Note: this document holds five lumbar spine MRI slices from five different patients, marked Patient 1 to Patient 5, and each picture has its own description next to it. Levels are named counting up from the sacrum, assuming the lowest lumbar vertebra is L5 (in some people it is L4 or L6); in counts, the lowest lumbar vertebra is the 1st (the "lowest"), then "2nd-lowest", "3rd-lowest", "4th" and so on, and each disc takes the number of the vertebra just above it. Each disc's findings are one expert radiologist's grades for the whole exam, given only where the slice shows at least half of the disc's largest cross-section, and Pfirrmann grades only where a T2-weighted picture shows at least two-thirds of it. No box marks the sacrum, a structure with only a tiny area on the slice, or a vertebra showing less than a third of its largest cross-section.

Patient 1 of 5:
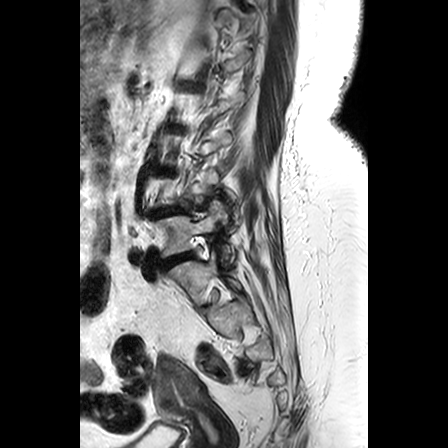 Image 448x448. Field of view 280x280 mm, slice spacing 3.3 mm. MRI lumbar spine (T2-weighted), sagittal plane.

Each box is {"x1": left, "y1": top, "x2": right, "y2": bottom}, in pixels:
Segmented structures:
• L5 vertebra = {"x1": 157, "y1": 203, "x2": 231, "y2": 257}
• L4/L5 = {"x1": 153, "y1": 208, "x2": 181, "y2": 216}
• IVD L5/S1 = {"x1": 161, "y1": 253, "x2": 191, "y2": 267}

Patient 2 of 5:
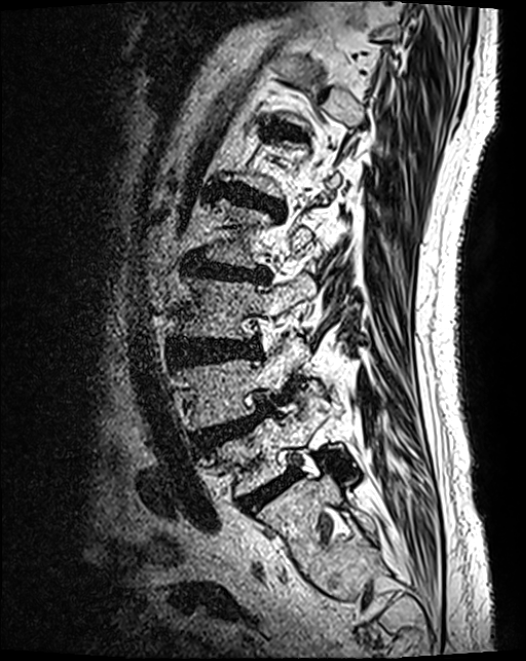 Slice spacing 0.9 mm | MRI lumbar spine (T2 SPACE (3D)), sagittal plane | Sagittal slice index 36 | 526x661 px
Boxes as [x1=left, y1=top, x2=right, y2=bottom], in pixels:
Annotations:
- 4th disc — [x1=186, y1=258, x2=267, y2=284]
- 3rd-lowest disc — [x1=172, y1=341, x2=258, y2=364]
- 3rd-lowest vertebra — [x1=174, y1=275, x2=312, y2=341]
- 6th disc — [x1=274, y1=126, x2=301, y2=135]
- 5th disc — [x1=222, y1=185, x2=283, y2=213]
- lowest vertebra — [x1=212, y1=406, x2=341, y2=496]
- 2nd-lowest vertebra — [x1=179, y1=344, x2=296, y2=431]
- lowest disc — [x1=239, y1=472, x2=298, y2=512]
- 2nd-lowest disc — [x1=194, y1=407, x2=269, y2=451]

Per-level radiological findings:
• 2nd-lowest disc: spondylolisthesis, upper-endplate change, disc herniation
• 3rd-lowest disc: Pfirrmann grade 4, disc bulging
• 5th disc: Pfirrmann grade 4, lower-endplate change, upper-endplate change, disc bulging
• 4th disc: Pfirrmann grade 4, disc bulging, lower-endplate change, disc narrowing, upper-endplate change
• lowest disc: no Modic or endplate change, herniation, narrowing, bulging or spondylolisthesis recorded

Patient 3 of 5:
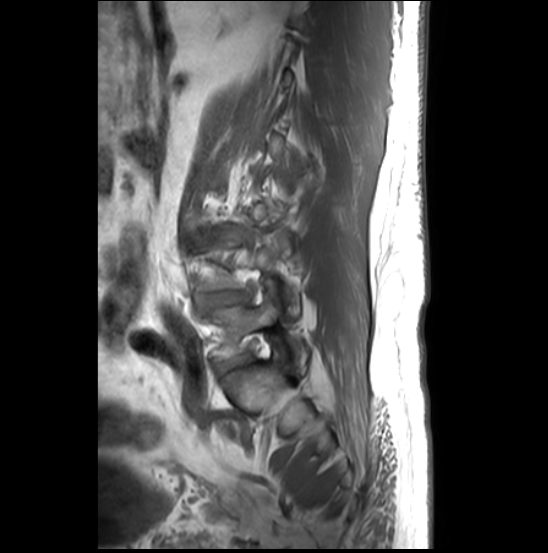 Field of view 280x282 mm, Sagittal slice index 6, T1-weighted sagittal MRI of the lumbar spine

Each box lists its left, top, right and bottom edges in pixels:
Annotations:
• L5 vertebra = left=211, top=297, right=309, bottom=366
• L5/S1 = left=215, top=353, right=251, bottom=374
• disc L4/L5 = left=202, top=291, right=247, bottom=306
• disc L3/L4 = left=187, top=228, right=241, bottom=246

Radiological gradings:
  L3/L4: disc narrowing, Modic type II, spondylolisthesis, disc herniation, upper-endplate change, lower-endplate change

Patient 4 of 5:
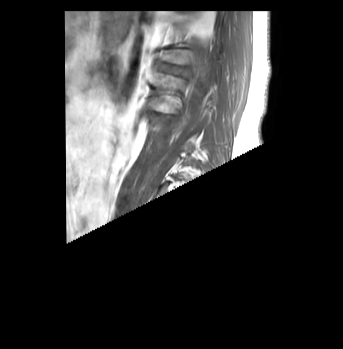 Sex F | Sagittal slice index 8 | Image 343x349 | Lumbar spine MR, T1-weighted, sagittal

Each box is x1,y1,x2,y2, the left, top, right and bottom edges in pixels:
L1/L2 at 158,63,183,74; L2 at 145,73,185,113.

Patient 5 of 5:
Slice 11/24, MRI lumbar spine (T1-weighted), sagittal plane, Image 448x448 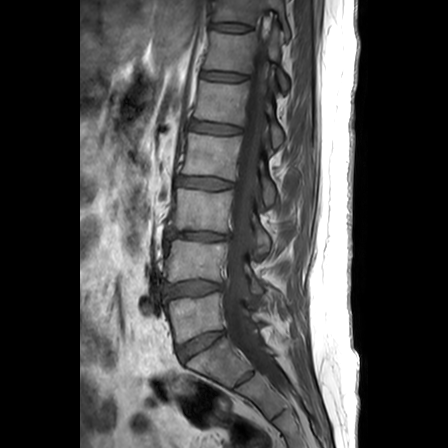 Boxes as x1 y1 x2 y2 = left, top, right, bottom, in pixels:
L1: 196 80 284 146 | IVD L5/S1: 179 331 224 359 | L4/L5: 167 280 222 295 | L3/L4: 167 231 229 240 | IVD T11/T12: 212 22 250 31 | L5 vertebra: 166 293 259 342 | T11: 215 0 289 36 | L2/L3: 177 176 232 189 | L1/L2: 191 120 240 133 | T12 vertebra: 205 27 288 93 | L2 vertebra: 184 133 277 205 | L3: 169 188 271 257 | L4 vertebra: 165 240 265 293 | thecal sac / spinal canal: 223 35 281 383 | IVD T12/L1: 202 71 246 81

Degenerative findings by level:
  L4/L5: disc bulging
  L3/L4: disc narrowing, Modic type II, lower-endplate change, disc herniation, upper-endplate change
  T11/T12, L1/L2, L5/S1, T12/L1, L2/L3: no spondylolisthesis, narrowing, bulging, herniation, Modic or endplate change recorded